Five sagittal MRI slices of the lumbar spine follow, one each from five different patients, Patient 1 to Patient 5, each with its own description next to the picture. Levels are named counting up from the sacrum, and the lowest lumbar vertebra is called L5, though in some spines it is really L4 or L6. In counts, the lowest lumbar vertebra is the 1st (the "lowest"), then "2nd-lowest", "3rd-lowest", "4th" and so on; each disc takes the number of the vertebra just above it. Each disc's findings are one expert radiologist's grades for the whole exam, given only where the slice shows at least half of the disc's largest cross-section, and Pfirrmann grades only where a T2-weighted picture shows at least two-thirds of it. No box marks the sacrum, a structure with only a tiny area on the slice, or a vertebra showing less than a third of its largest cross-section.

Patient 1 of 5:
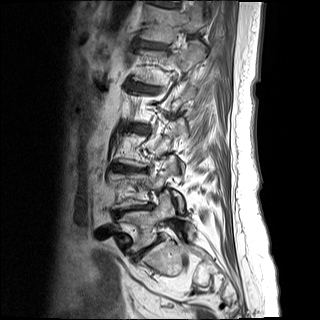 MRI lumbar spine (T1-weighted), sagittal plane.
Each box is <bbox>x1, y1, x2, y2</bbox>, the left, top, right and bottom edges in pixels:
T12/L1 = <bbox>139, 41, 166, 48</bbox>.
IVD L5/S1 = <bbox>136, 243, 155, 256</bbox>.
L4 = <bbox>113, 157, 183, 209</bbox>.
IVD L3/L4 = <bbox>113, 165, 142, 171</bbox>.
IVD L4/L5 = <bbox>116, 207, 149, 215</bbox>.
T12 = <bbox>140, 4, 206, 43</bbox>.
L1 = <bbox>134, 41, 205, 84</bbox>.
L5 = <bbox>119, 190, 195, 251</bbox>.
T11/T12 = <bbox>154, 2, 178, 7</bbox>.
L1/L2 = <bbox>133, 84, 147, 89</bbox>.

Radiological gradings:
  T11/T12: Modic type II, lower-endplate change, disc bulging, upper-endplate change
  L3/L4: disc narrowing, disc bulging, Modic type II, upper-endplate change, lower-endplate change

Patient 2 of 5:
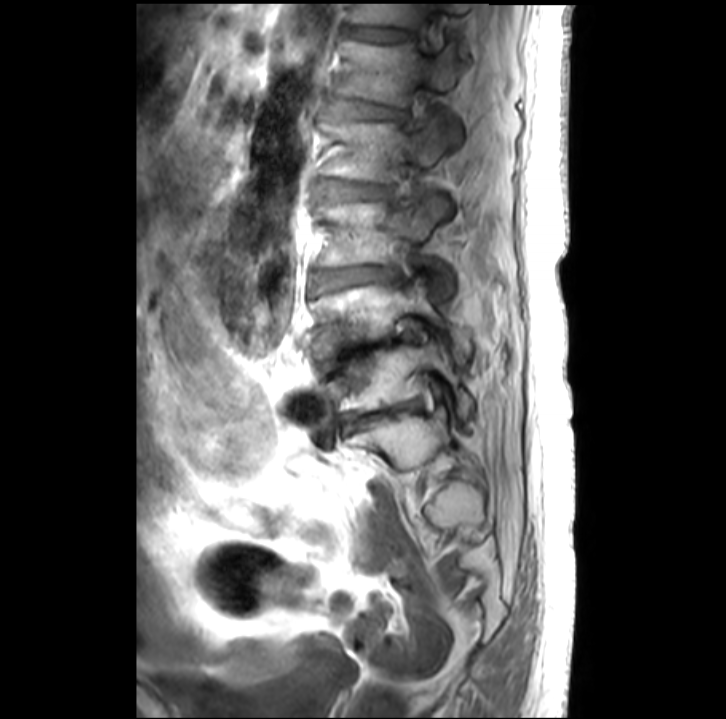 Slice spacing 3.4 mm. Sagittal T1-weighted lumbar spine MRI. Sex F.
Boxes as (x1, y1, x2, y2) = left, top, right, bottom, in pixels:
{"L4": "(312, 277, 471, 362)", "T12 vertebra": "(348, 3, 467, 50)", "disc L2/L3": "(318, 180, 387, 198)", "disc L5/S1": "(339, 402, 416, 428)", "L2 vertebra": "(318, 115, 453, 182)", "T12/L1": "(345, 26, 412, 39)", "L1": "(338, 38, 461, 136)", "L3/L4": "(313, 266, 395, 292)", "L3 vertebra": "(315, 194, 452, 294)", "disc L1/L2": "(330, 101, 403, 117)", "L5": "(328, 340, 473, 417)", "disc L4/L5": "(319, 333, 412, 371)"}

Expert MSK radiologist gradings (per disc):
- L4/L5: disc narrowing
- L3/L4: Modic type II, disc narrowing
- T12/L1: disc bulging
- L1/L2: disc narrowing, disc bulging
- L5/S1: disc narrowing, Modic type II
- L2/L3: no herniation, bulging, narrowing, spondylolisthesis, endplate or Modic change recorded

Patient 3 of 5:
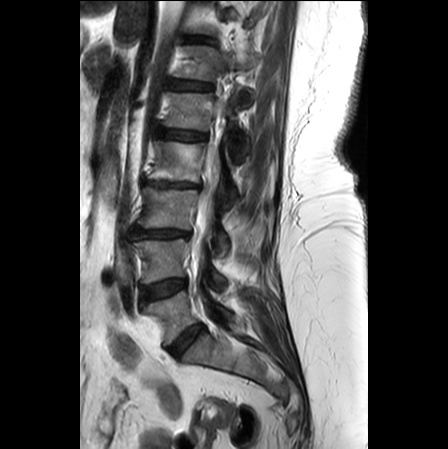 Slice 10 of 25 | Lumbar spine MR, T2-weighted, sagittal

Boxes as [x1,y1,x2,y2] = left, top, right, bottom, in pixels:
Spinal canal at [191,145,220,259], intervertebral disc T12/L1 (6th disc) at [167,80,212,89], T12 (6th vertebra) at [174,45,238,80], L5 (lowest vertebra) at [144,290,231,344], intervertebral disc L5/S1 (lowest disc) at [169,324,204,357], intervertebral disc L1/L2 (5th disc) at [157,128,206,140], L3 (3rd-lowest vertebra) at [138,187,228,250], L3/L4 (3rd-lowest disc) at [133,227,191,238], L2 (4th vertebra) at [148,141,239,200], L4 (2nd-lowest vertebra) at [132,239,225,285], intervertebral disc T11/T12 (7th disc) at [183,37,215,43], L1 (5th vertebra) at [164,90,251,162], intervertebral disc L4/L5 (2nd-lowest disc) at [141,279,186,301], L2/L3 (4th disc) at [142,178,200,187].

Expert MSK radiologist gradings (per disc):
- L2/L3 (4th disc): Pfirrmann grade 5, upper-endplate change, Modic type II, disc herniation, lower-endplate change, disc narrowing
- L3/L4 (3rd-lowest disc): Pfirrmann grade 4, lower-endplate change, upper-endplate change, disc narrowing, disc bulging
- L4/L5 (2nd-lowest disc): Pfirrmann grade 2, disc bulging, Modic type II, lower-endplate change, upper-endplate change
- T12/L1 (6th disc): Pfirrmann grade 2, upper-endplate change
- L1/L2 (5th disc): Pfirrmann grade 2, disc bulging
- L5/S1 (lowest disc): Pfirrmann grade 2, disc bulging

Patient 4 of 5:
Sex M; T1-weighted sagittal MRI of the lumbar spine; Slice 6/24; Image 448x448
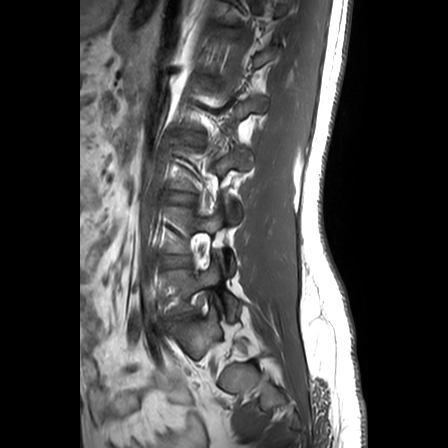

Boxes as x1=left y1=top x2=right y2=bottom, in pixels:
Structures:
• IVD L4/L5 (2nd-lowest disc): x1=167 y1=256 x2=187 y2=264
• L5 (lowest vertebra): x1=165 y1=261 x2=219 y2=312
• IVD L5/S1 (lowest disc): x1=172 y1=313 x2=195 y2=324

Patient 5 of 5:
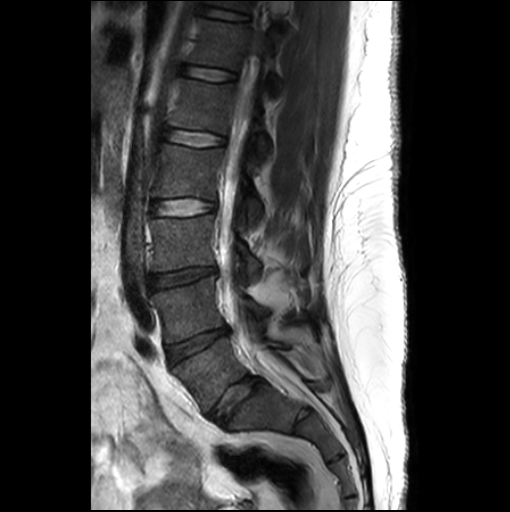

Image 510x512. MRI lumbar spine (T2-weighted), sagittal plane.
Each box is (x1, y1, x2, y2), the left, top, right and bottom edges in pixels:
T12 = (189, 18, 281, 93).
L4 = (151, 277, 286, 342).
L2/L3 = (151, 199, 215, 216).
Intervertebral disc T12/L1 = (180, 65, 234, 81).
T11 vertebra = (210, 0, 249, 11).
L1/L2 = (163, 128, 225, 146).
L5 = (173, 337, 286, 411).
L1 vertebra = (168, 77, 270, 157).
L2 = (152, 144, 262, 224).
L3 vertebra = (150, 215, 259, 279).
Intervertebral disc L5/S1 = (208, 377, 263, 424).
Spinal canal = (222, 89, 274, 372).
L4/L5 = (167, 327, 229, 363).
T11/T12 = (202, 7, 246, 20).
Intervertebral disc L3/L4 = (150, 267, 216, 289).

Per-level radiological findings:
  L3/L4: Pfirrmann grade 3, disc bulging, disc narrowing
  L2/L3: Pfirrmann grade 1
  L1/L2: Pfirrmann grade 1
  T12/L1: Pfirrmann grade 1
  T11/T12: Pfirrmann grade 1
  L5/S1: Pfirrmann grade 3, disc bulging
  L4/L5: Pfirrmann grade 3, disc bulging, disc narrowing